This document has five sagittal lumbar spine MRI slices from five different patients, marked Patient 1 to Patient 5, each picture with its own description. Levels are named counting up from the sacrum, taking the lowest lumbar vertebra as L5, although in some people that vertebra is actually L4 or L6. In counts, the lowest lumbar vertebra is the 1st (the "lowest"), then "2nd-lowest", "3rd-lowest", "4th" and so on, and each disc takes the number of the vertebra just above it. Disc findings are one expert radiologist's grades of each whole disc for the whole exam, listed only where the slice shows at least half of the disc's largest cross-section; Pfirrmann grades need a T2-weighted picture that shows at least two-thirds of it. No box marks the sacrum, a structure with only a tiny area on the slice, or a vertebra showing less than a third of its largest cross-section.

Patient 1 of 5:
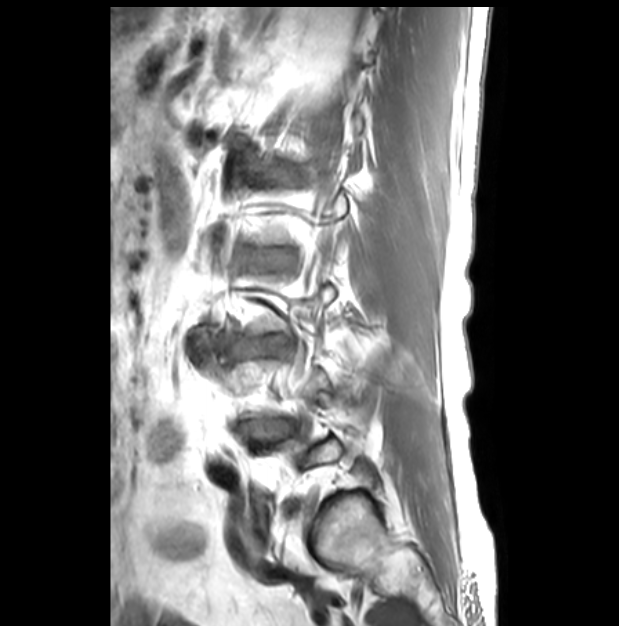

619x626 px | T1-weighted sagittal MRI of the lumbar spine

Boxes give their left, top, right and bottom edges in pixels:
L2/L3 (4th disc): left=244, top=247, right=297, bottom=273
L3/L4 (3rd-lowest disc): left=202, top=332, right=286, bottom=359

Expert MSK radiologist gradings (per disc):
  L2/L3 (4th disc), L3/L4 (3rd-lowest disc): no Modic or endplate change, herniation, narrowing, bulging or spondylolisthesis recorded

Patient 2 of 5:
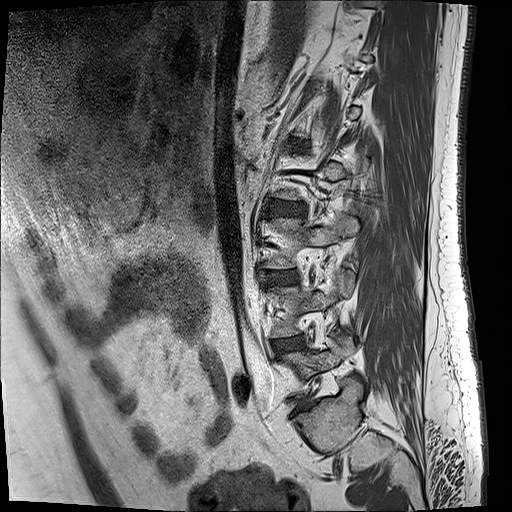 MRI lumbar spine (T1-weighted), sagittal plane, Slice 17/17, 512x512 px
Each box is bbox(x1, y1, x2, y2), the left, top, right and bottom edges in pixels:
Annotations:
- 3rd-lowest disc = bbox(267, 272, 292, 282)
- lowest vertebra = bbox(286, 335, 353, 378)
- 2nd-lowest disc = bbox(276, 339, 299, 352)
- 2nd-lowest vertebra = bbox(272, 271, 354, 338)
- 5th disc = bbox(290, 139, 305, 150)
- 4th disc = bbox(270, 201, 301, 216)

Patient 3 of 5:
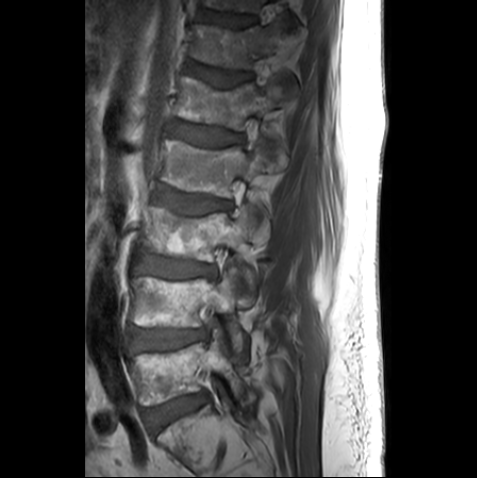 MRI lumbar spine (T1-weighted), sagittal plane | Image 477x478
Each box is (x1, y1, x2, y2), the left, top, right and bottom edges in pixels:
T11: (206, 0, 262, 11)
L5/S1: (144, 394, 202, 430)
L5 vertebra: (130, 340, 251, 406)
T12 vertebra: (194, 23, 298, 69)
L3: (139, 205, 263, 289)
L2/L3: (160, 189, 230, 214)
L3/L4: (135, 256, 215, 277)
L1 vertebra: (178, 77, 297, 129)
intervertebral disc L4/L5: (131, 329, 205, 353)
intervertebral disc T12/L1: (188, 64, 250, 86)
T11/T12: (205, 13, 252, 27)
L4: (132, 273, 244, 352)
L2: (162, 140, 275, 213)
intervertebral disc L1/L2: (174, 122, 242, 145)

Per-level radiological findings:
  L2/L3: upper-endplate change
  T12/L1: upper-endplate change
  L4/L5: lower-endplate change
  L1/L2, L3/L4: no spondylolisthesis, narrowing, bulging, herniation, Modic or endplate change recorded

Patient 4 of 5:
SIEMENS Skyra_fit (3T). Lumbar spine MR, T1-weighted, sagittal.
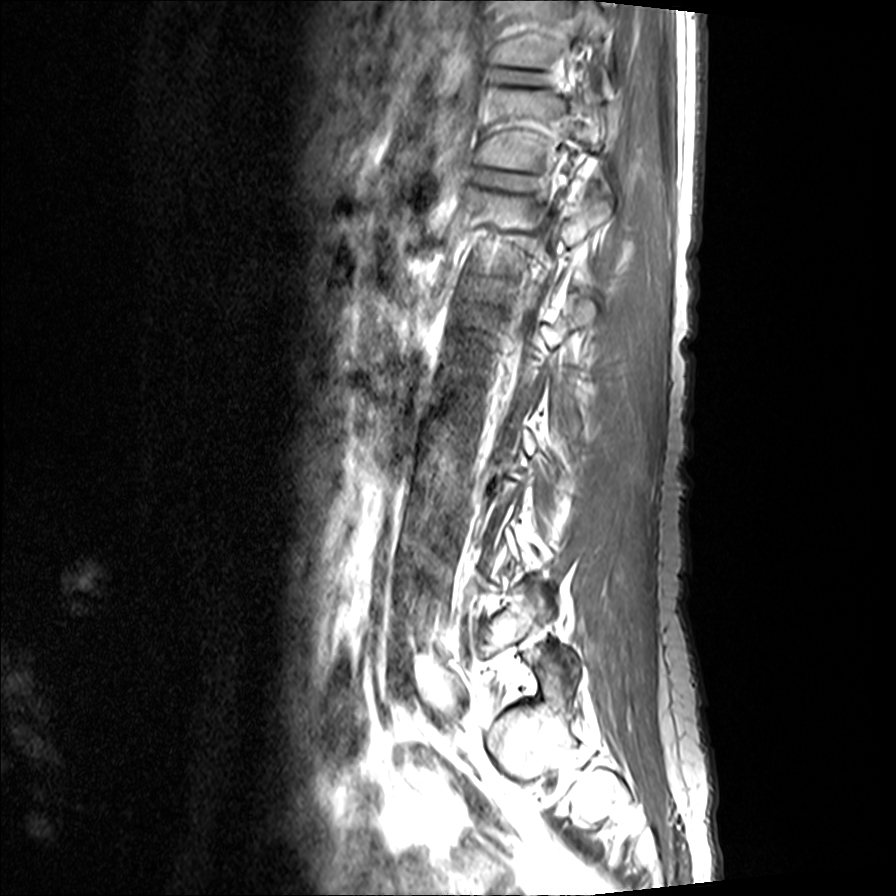

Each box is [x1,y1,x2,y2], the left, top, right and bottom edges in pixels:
L1 vertebra at [467,181,612,272].
T12 at [477,87,566,171].
Intervertebral disc L1/L2 at [481,282,496,287].
T11/T12 at [487,66,547,88].
Intervertebral disc T12/L1 at [471,168,534,190].
T11 vertebra at [488,0,593,69].

Expert MSK radiologist gradings (per disc):
  T11/T12, T12/L1: no Modic or endplate change, herniation, narrowing, bulging or spondylolisthesis recorded

Patient 5 of 5:
Slice 13/21. T1-weighted sagittal MRI of the lumbar spine. 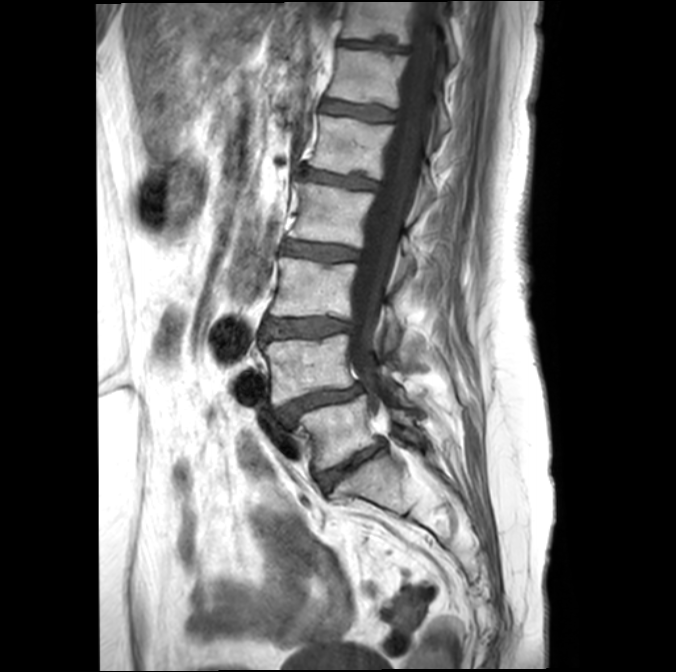
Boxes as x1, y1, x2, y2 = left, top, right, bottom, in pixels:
2nd-lowest vertebra — 263, 333, 408, 405.
5th vertebra — 308, 114, 436, 198.
7th vertebra — 342, 1, 458, 62.
Spinal canal — 350, 1, 443, 397.
7th disc — 341, 39, 407, 50.
6th disc — 321, 100, 396, 120.
Lowest disc — 317, 440, 383, 490.
3rd-lowest disc — 263, 317, 352, 338.
3rd-lowest vertebra — 271, 257, 403, 350.
Lowest vertebra — 299, 393, 419, 470.
4th vertebra — 288, 180, 424, 265.
6th vertebra — 328, 46, 452, 133.
2nd-lowest disc — 279, 385, 361, 422.
5th disc — 300, 169, 378, 188.
4th disc — 284, 241, 358, 260.

Radiological gradings:
• lowest disc: lower-endplate change, disc narrowing, Modic type II, disc bulging
• 3rd-lowest disc: upper-endplate change, disc bulging, Modic type II, lower-endplate change
• 2nd-lowest disc: disc narrowing, Modic type II, lower-endplate change, spondylolisthesis, disc bulging
• 6th disc: upper-endplate change, Modic type II, lower-endplate change
• 7th disc: disc bulging, lower-endplate change, upper-endplate change
• 4th disc: Modic type II, upper-endplate change
• 5th disc: Modic type II, lower-endplate change